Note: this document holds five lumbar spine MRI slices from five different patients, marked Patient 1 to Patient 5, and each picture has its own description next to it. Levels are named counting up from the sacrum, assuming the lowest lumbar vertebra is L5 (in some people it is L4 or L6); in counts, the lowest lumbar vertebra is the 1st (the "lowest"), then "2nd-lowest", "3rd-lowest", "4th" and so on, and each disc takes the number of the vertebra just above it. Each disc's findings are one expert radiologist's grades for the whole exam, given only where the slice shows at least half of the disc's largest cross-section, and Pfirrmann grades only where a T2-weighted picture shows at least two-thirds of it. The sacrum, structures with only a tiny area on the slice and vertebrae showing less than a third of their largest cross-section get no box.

Patient 1 of 5:
Slice 30/43 | Sagittal T1-weighted lumbar spine MRI | 343x349 px | Patient sex: F
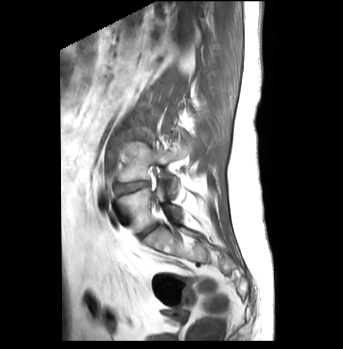
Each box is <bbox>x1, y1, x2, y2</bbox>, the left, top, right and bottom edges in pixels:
L4/L5 (2nd-lowest disc) — <bbox>116, 180, 149, 195</bbox>.
L5/S1 (lowest disc) — <bbox>139, 223, 157, 238</bbox>.
L5 (lowest vertebra) — <bbox>118, 186, 180, 232</bbox>.
L4 (2nd-lowest vertebra) — <bbox>119, 142, 187, 196</bbox>.

Per-level radiological findings:
  L4/L5 (2nd-lowest disc): lower-endplate change, disc narrowing, Modic type II, disc bulging

Patient 2 of 5:
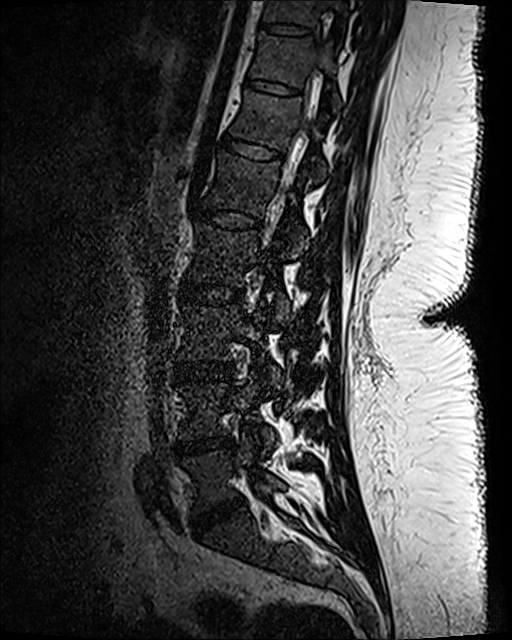
Field of view 240x300 mm, slice spacing 0.9 mm | Patient sex: F | MRI lumbar spine (T2 SPACE (3D)), sagittal plane | 512x640 px | Slice 71/120

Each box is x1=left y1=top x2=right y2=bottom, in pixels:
7th vertebra: x1=252 y1=33 x2=334 y2=86
3rd-lowest disc: x1=175 y1=361 x2=230 y2=382
3rd-lowest vertebra: x1=180 y1=305 x2=280 y2=386
6th vertebra: x1=231 y1=90 x2=326 y2=178
5th disc: x1=191 y1=207 x2=260 y2=229
5th vertebra: x1=204 y1=152 x2=309 y2=259
4th vertebra: x1=188 y1=224 x2=289 y2=322
4th disc: x1=179 y1=282 x2=244 y2=305
8th vertebra: x1=263 y1=0 x2=349 y2=32
8th disc: x1=265 y1=23 x2=310 y2=36
2nd-lowest vertebra: x1=180 y1=377 x2=275 y2=455
6th disc: x1=219 y1=133 x2=283 y2=160
2nd-lowest disc: x1=177 y1=436 x2=231 y2=456
lowest disc: x1=192 y1=498 x2=242 y2=532
thecal sac / spinal canal: x1=283 y1=143 x2=299 y2=187
lowest vertebra: x1=185 y1=435 x2=284 y2=512
7th disc: x1=245 y1=79 x2=301 y2=96

Per-level radiological findings:
• 8th disc: Pfirrmann grade 1
• 6th disc: Pfirrmann grade 1
• 7th disc: Pfirrmann grade 1
• 5th disc: Pfirrmann grade 1
• lowest disc: disc narrowing, disc bulging
• 4th disc: Pfirrmann grade 1
• 3rd-lowest disc: no Modic or endplate change, herniation, narrowing, bulging or spondylolisthesis recorded

Patient 3 of 5:
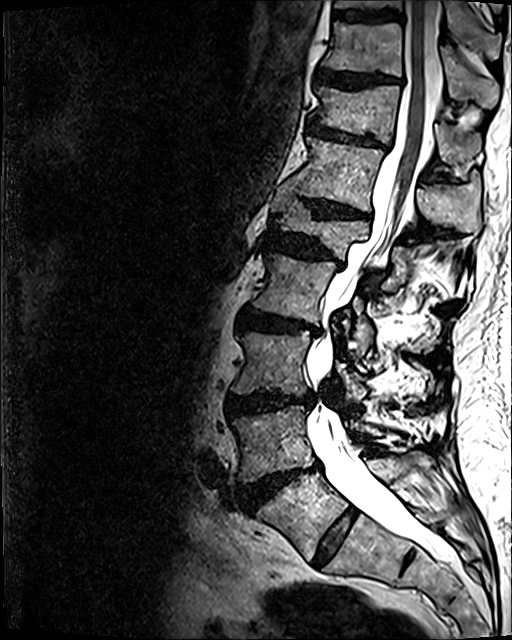
Image 512x640; Sagittal T2 SPACE (3D) lumbar spine MRI; Sex M
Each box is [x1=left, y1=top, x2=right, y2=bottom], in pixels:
4th disc at [x1=238, y1=311, x2=319, y2=335], 6th disc at [x1=303, y1=198, x2=369, y2=218], 3rd-lowest disc at [x1=225, y1=392, x2=313, y2=415], 6th vertebra at [x1=288, y1=137, x2=480, y2=231], 3rd-lowest vertebra at [x1=230, y1=332, x2=431, y2=401], 7th disc at [x1=307, y1=122, x2=387, y2=149], 7th vertebra at [x1=311, y1=84, x2=480, y2=163], thecal sac / spinal canal at [x1=307, y1=0, x2=452, y2=562], lowest vertebra at [x1=256, y1=455, x2=437, y2=560], 9th disc at [x1=334, y1=10, x2=400, y2=21], lowest disc at [x1=312, y1=510, x2=356, y2=566], 8th disc at [x1=317, y1=70, x2=401, y2=89], 2nd-lowest vertebra at [x1=232, y1=405, x2=383, y2=482], 2nd-lowest disc at [x1=242, y1=463, x2=320, y2=508], 5th disc at [x1=265, y1=231, x2=341, y2=264], 9th vertebra at [x1=335, y1=0, x2=501, y2=58], 5th vertebra at [x1=271, y1=184, x2=420, y2=289], 4th vertebra at [x1=252, y1=253, x2=440, y2=355], 8th vertebra at [x1=323, y1=22, x2=500, y2=106].

Degenerative findings by level:
• 7th disc: Pfirrmann grade 4, lower-endplate change, upper-endplate change, disc bulging, disc narrowing
• 4th disc: Pfirrmann grade 4, upper-endplate change, disc bulging, disc narrowing, lower-endplate change, Modic type II
• 3rd-lowest disc: Pfirrmann grade 4, upper-endplate change, disc narrowing, lower-endplate change, disc bulging
• 9th disc: Pfirrmann grade 3, lower-endplate change
• 5th disc: Pfirrmann grade 4, disc narrowing, lower-endplate change, disc bulging, upper-endplate change
• 6th disc: Pfirrmann grade 4, lower-endplate change, disc narrowing, disc bulging, upper-endplate change
• 8th disc: Pfirrmann grade 4, upper-endplate change, disc bulging, lower-endplate change
• 2nd-lowest disc: Pfirrmann grade 5, upper-endplate change, lower-endplate change, Modic type II, disc narrowing, disc herniation, disc bulging
• lowest disc: Pfirrmann grade 2

Patient 4 of 5:
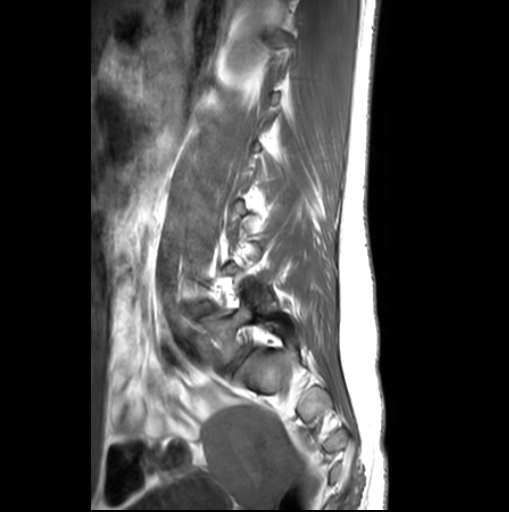

Sex F; T1-weighted sagittal MRI of the lumbar spine
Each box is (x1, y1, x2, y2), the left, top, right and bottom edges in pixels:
Lowest vertebra at (199, 301, 295, 363), lowest disc at (225, 346, 250, 371), 2nd-lowest disc at (192, 302, 213, 314).

Patient 5 of 5:
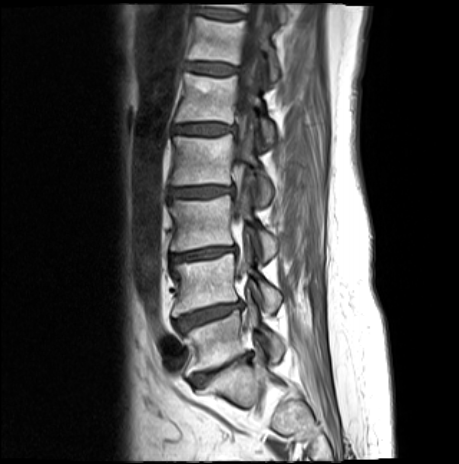
Sex F; T1-weighted sagittal MRI of the lumbar spine; 459x464 px; Field of view 260x263 mm, slice spacing 4.8 mm
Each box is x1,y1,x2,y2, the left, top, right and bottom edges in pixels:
lowest disc: 192,354,251,385
2nd-lowest vertebra: 172,253,281,316
7th disc: 198,9,243,19
4th vertebra: 171,134,273,205
3rd-lowest disc: 171,247,236,261
lowest vertebra: 184,306,284,371
5th disc: 173,124,233,134
3rd-lowest vertebra: 171,195,277,260
6th vertebra: 188,16,280,82
4th disc: 169,186,233,197
thecal sac / spinal canal: 234,3,269,275
6th disc: 185,62,237,75
5th vertebra: 175,72,274,143
2nd-lowest disc: 175,303,241,332
7th vertebra: 202,4,287,22

Radiological gradings:
• lowest disc: upper-endplate change, disc bulging, lower-endplate change, Modic type II, disc narrowing
• 7th disc: Modic type II
• 3rd-lowest disc: upper-endplate change, lower-endplate change, Modic type II, disc narrowing, disc bulging
• 2nd-lowest disc: upper-endplate change, lower-endplate change, disc bulging, Modic type II, disc narrowing
• 5th disc: disc bulging, lower-endplate change, Modic type II, upper-endplate change
• 6th disc: lower-endplate change, Modic type II, upper-endplate change
• 4th disc: upper-endplate change, Modic type II, disc bulging, lower-endplate change